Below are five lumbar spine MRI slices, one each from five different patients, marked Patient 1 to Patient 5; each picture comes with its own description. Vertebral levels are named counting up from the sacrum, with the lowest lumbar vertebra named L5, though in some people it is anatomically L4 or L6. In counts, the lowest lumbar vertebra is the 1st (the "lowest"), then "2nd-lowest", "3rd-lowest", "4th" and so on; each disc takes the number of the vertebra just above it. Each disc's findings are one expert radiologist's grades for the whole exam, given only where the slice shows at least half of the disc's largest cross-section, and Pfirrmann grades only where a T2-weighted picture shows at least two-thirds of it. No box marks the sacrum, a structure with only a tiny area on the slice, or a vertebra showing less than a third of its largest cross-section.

Patient 1 of 5:
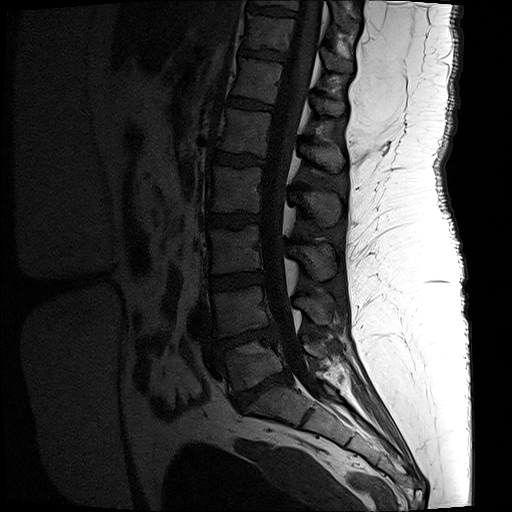 Lumbar spine MR, T1-weighted, sagittal. Slice 9 of 17. Patient sex: F.
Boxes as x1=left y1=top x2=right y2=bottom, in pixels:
6th disc at x1=229 y1=97 x2=272 y2=110, 6th vertebra at x1=233 y1=58 x2=344 y2=116, 4th disc at x1=208 y1=213 x2=260 y2=227, spinal canal at x1=261 y1=0 x2=332 y2=404, 8th vertebra at x1=252 y1=0 x2=340 y2=17, 5th vertebra at x1=221 y1=107 x2=344 y2=172, 7th disc at x1=240 y1=48 x2=284 y2=61, 8th disc at x1=248 y1=3 x2=296 y2=16, 3rd-lowest vertebra at x1=208 y1=224 x2=335 y2=280, 5th disc at x1=214 y1=150 x2=265 y2=164, 3rd-lowest disc at x1=210 y1=272 x2=264 y2=289, 2nd-lowest disc at x1=214 y1=326 x2=278 y2=352, 2nd-lowest vertebra at x1=212 y1=286 x2=334 y2=337, 4th vertebra at x1=210 y1=165 x2=341 y2=225, lowest vertebra at x1=218 y1=337 x2=336 y2=393, lowest disc at x1=233 y1=370 x2=289 y2=409, 7th vertebra at x1=244 y1=13 x2=353 y2=73.

Per-level radiological findings:
- 2nd-lowest disc: disc herniation, lower-endplate change, upper-endplate change, Modic type II, disc narrowing
- 4th disc: lower-endplate change, upper-endplate change
- lowest disc: lower-endplate change, upper-endplate change, disc herniation, disc narrowing, Modic type II
- 5th disc: lower-endplate change
- 7th disc: lower-endplate change
- 6th disc, 3rd-lowest disc: no Modic or endplate change, herniation, narrowing, bulging or spondylolisthesis recorded

Patient 2 of 5:
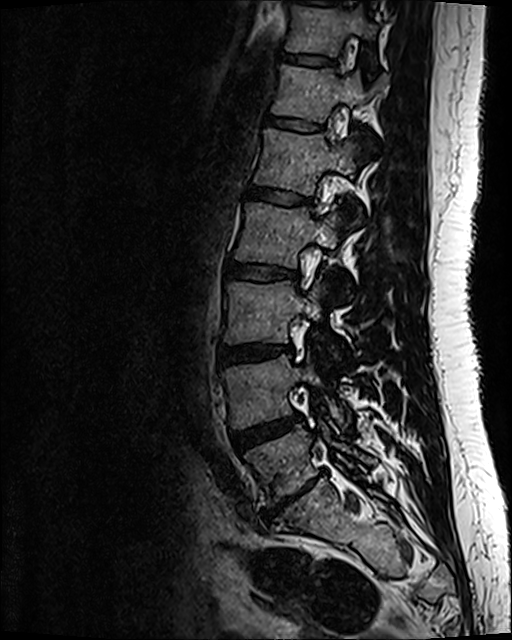 Sagittal slice index 44. Sex F. Image 512x640. Lumbar spine MR, T2 SPACE (3D), sagittal.
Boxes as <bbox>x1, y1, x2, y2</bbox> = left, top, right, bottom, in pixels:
Annotations:
- T12/L1 at <bbox>267, 116, 320, 131</bbox>
- L2 vertebra at <bbox>235, 203, 343, 267</bbox>
- T12 at <bbox>273, 65, 371, 121</bbox>
- disc L3/L4 at <bbox>220, 345, 292, 365</bbox>
- L5 vertebra at <bbox>245, 425, 375, 505</bbox>
- L1/L2 at <bbox>246, 189, 310, 206</bbox>
- L1 at <bbox>255, 129, 364, 219</bbox>
- L3 vertebra at <bbox>225, 282, 335, 355</bbox>
- L4/L5 at <bbox>232, 414, 301, 449</bbox>
- T11/T12 at <bbox>280, 54, 333, 65</bbox>
- L2/L3 at <bbox>226, 261, 299, 280</bbox>
- T11 at <bbox>287, 5, 376, 62</bbox>
- L4 at <bbox>225, 354, 344, 427</bbox>
- L5/S1 at <bbox>263, 478, 316, 523</bbox>

Degenerative findings by level:
- L2/L3: Pfirrmann grade 2
- L4/L5: Pfirrmann grade 3, disc bulging
- L3/L4: Pfirrmann grade 2, disc bulging
- L5/S1: lower-endplate change, upper-endplate change, Modic type III, disc herniation, disc bulging, disc narrowing
- T12/L1: Pfirrmann grade 2
- L1/L2: Pfirrmann grade 2
- T11/T12: no spondylolisthesis, narrowing, bulging, herniation, Modic or endplate change recorded

Patient 3 of 5:
384x384 px | Slice 14 of 17 | Sex F | MRI lumbar spine (T2-weighted), sagittal plane

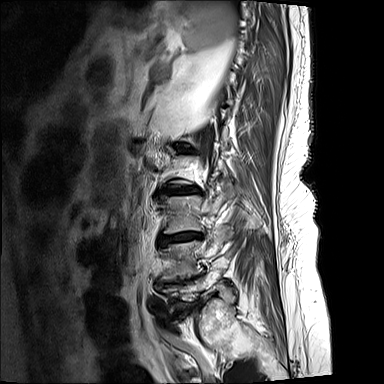

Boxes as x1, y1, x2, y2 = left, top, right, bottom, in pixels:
Annotations:
- 4th disc = 161, 187, 199, 194
- 3rd-lowest disc = 159, 231, 202, 244
- 2nd-lowest disc = 157, 276, 194, 286
- 2nd-lowest vertebra = 159, 227, 230, 280
- lowest vertebra = 162, 268, 221, 311
- 3rd-lowest vertebra = 158, 194, 224, 233

Degenerative findings by level:
  4th disc: disc bulging, lower-endplate change, upper-endplate change, Modic type I, disc narrowing
  3rd-lowest disc: Pfirrmann grade 5, disc narrowing, Modic type II, disc bulging, lower-endplate change, upper-endplate change

Patient 4 of 5:
Sagittal T1-weighted lumbar spine MRI | Field of view 280x280 mm, slice spacing 4.4 mm | 384x384 px 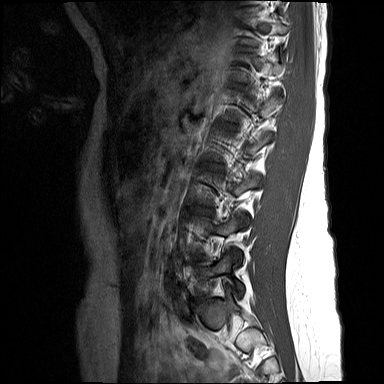 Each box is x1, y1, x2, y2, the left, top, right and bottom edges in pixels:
L3/L4 at 199, 207, 213, 214; IVD L5/S1 at 194, 297, 207, 303; L5 vertebra at 196, 252, 243, 296.

Patient 5 of 5:
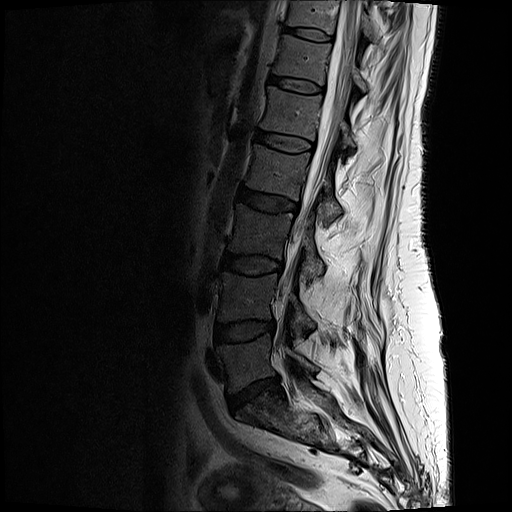

Slice 7 of 17. 512x512 px. Lumbar spine MR, T2-weighted, sagittal.

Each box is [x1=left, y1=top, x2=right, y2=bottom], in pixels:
T12 vertebra: [x1=274, y1=34, x2=367, y2=90]
IVD L5/S1: [x1=229, y1=376, x2=279, y2=409]
L3: [x1=229, y1=204, x2=324, y2=276]
T11: [x1=286, y1=0, x2=375, y2=41]
IVD L3/L4: [x1=222, y1=254, x2=281, y2=274]
L1 vertebra: [x1=259, y1=86, x2=355, y2=147]
L2: [x1=246, y1=145, x2=341, y2=219]
IVD L4/L5: [x1=216, y1=321, x2=275, y2=341]
IVD T11/T12: [x1=282, y1=25, x2=332, y2=41]
thecal sac / spinal canal: [x1=282, y1=0, x2=359, y2=297]
L4: [x1=219, y1=272, x2=315, y2=331]
IVD L2/L3: [x1=240, y1=187, x2=298, y2=211]
T12/L1: [x1=270, y1=75, x2=323, y2=92]
L5: [x1=218, y1=335, x2=317, y2=392]
L1/L2: [x1=255, y1=130, x2=313, y2=151]

Degenerative findings by level:
• L4/L5: Pfirrmann grade 3, disc bulging
• T11/T12: Pfirrmann grade 2
• L3/L4: Pfirrmann grade 3
• T12/L1: Pfirrmann grade 2
• L2/L3: Pfirrmann grade 3, disc bulging
• L5/S1: lower-endplate change, disc narrowing, disc herniation, upper-endplate change
• L1/L2: Pfirrmann grade 2